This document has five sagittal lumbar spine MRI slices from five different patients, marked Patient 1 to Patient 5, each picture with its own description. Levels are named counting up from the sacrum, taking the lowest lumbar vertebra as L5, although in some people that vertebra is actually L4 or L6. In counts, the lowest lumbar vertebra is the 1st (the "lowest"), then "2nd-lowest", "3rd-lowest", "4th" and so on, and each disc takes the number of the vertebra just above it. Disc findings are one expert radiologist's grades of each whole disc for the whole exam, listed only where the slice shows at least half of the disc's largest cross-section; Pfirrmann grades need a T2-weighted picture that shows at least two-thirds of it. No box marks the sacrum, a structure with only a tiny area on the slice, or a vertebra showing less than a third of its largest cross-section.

Patient 1 of 5:
Sagittal T1-weighted lumbar spine MRI. Philips Healthcare Ingenia (3T).

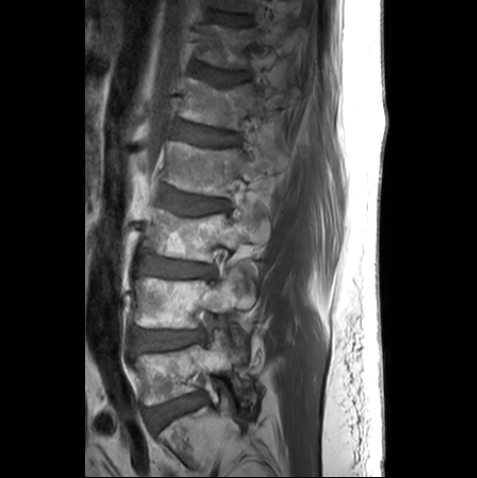

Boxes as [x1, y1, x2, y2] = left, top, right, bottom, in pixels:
2nd-lowest disc: [133, 331, 205, 351]
6th vertebra: [203, 24, 297, 68]
6th disc: [197, 68, 247, 84]
lowest disc: [147, 395, 201, 427]
3rd-lowest vertebra: [143, 209, 265, 262]
7th disc: [220, 14, 245, 24]
3rd-lowest disc: [138, 255, 213, 276]
2nd-lowest vertebra: [134, 268, 254, 345]
4th vertebra: [164, 142, 283, 196]
5th vertebra: [184, 78, 297, 129]
5th disc: [181, 124, 238, 145]
lowest vertebra: [132, 332, 246, 405]
4th disc: [163, 187, 228, 214]

Per-level radiological findings:
- 4th disc: upper-endplate change
- 2nd-lowest disc: lower-endplate change
- 3rd-lowest disc, 5th disc: no herniation, bulging, narrowing, spondylolisthesis, endplate or Modic change recorded

Patient 2 of 5:
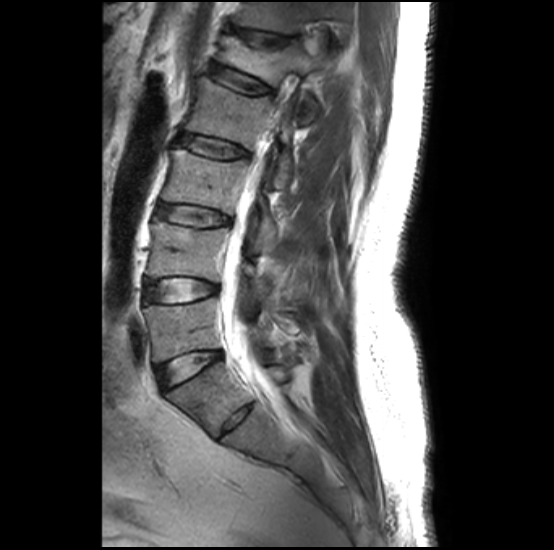 T2-weighted sagittal MRI of the lumbar spine.
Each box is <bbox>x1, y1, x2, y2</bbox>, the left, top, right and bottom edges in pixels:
L1: <bbox>219, 36, 328, 119</bbox>.
L5: <bbox>144, 298, 268, 362</bbox>.
IVD T12/L1: <bbox>232, 26, 292, 43</bbox>.
L3: <bbox>162, 149, 276, 249</bbox>.
L5/S1: <bbox>156, 351, 221, 390</bbox>.
L2 vertebra: <bbox>183, 77, 291, 187</bbox>.
IVD L1/L2: <bbox>211, 64, 271, 94</bbox>.
L4: <bbox>147, 221, 268, 299</bbox>.
IVD L2/L3: <bbox>175, 134, 247, 158</bbox>.
Spinal canal: <bbox>220, 128, 271, 396</bbox>.
T12: <bbox>235, 2, 341, 34</bbox>.
IVD L3/L4: <bbox>157, 203, 229, 226</bbox>.
IVD L4/L5: <bbox>146, 279, 216, 302</bbox>.

Degenerative findings by level:
  L5/S1: Pfirrmann grade 1
  L4/L5: Pfirrmann grade 1, lower-endplate change, Modic type II, upper-endplate change
  T12/L1: Pfirrmann grade 2, upper-endplate change, spondylolisthesis
  L3/L4: Pfirrmann grade 2, lower-endplate change, Modic type II, upper-endplate change
  L1/L2: Pfirrmann grade 2, upper-endplate change, Modic type II, lower-endplate change
  L2/L3: Pfirrmann grade 2, upper-endplate change, lower-endplate change, Modic type II

Patient 3 of 5:
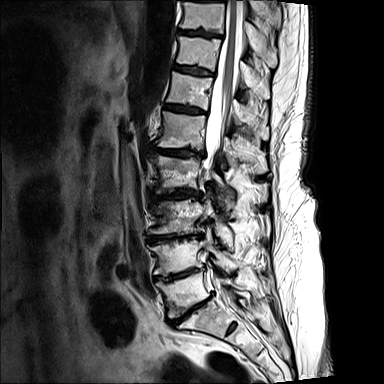 MRI lumbar spine (T2-weighted), sagittal plane | Slice spacing 4.8 mm | Patient sex: F
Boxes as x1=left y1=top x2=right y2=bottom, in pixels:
L4 vertebra at x1=149 y1=232 x2=239 y2=275, intervertebral disc T10/T11 at x1=178 y1=30 x2=218 y2=36, L1 vertebra at x1=156 y1=111 x2=267 y2=173, intervertebral disc L1/L2 at x1=153 y1=147 x2=203 y2=156, L3 vertebra at x1=149 y1=191 x2=233 y2=245, T10 at x1=180 y1=1 x2=278 y2=67, intervertebral disc T12/L1 at x1=164 y1=104 x2=202 y2=113, intervertebral disc L2/L3 at x1=154 y1=188 x2=200 y2=200, spinal canal at x1=203 y1=0 x2=247 y2=302, L3/L4 at x1=148 y1=233 x2=201 y2=243, L2 vertebra at x1=149 y1=155 x2=234 y2=212, L4/L5 at x1=154 y1=267 x2=204 y2=281, T11 at x1=177 y1=36 x2=267 y2=99, T12 vertebra at x1=167 y1=71 x2=268 y2=140, L5 at x1=156 y1=271 x2=242 y2=317, L5/S1 at x1=171 y1=293 x2=213 y2=323, intervertebral disc T11/T12 at x1=175 y1=65 x2=212 y2=75.

Radiological gradings:
  T12/L1: Pfirrmann grade 4
  L2/L3: Pfirrmann grade 5, upper-endplate change, Modic type I, disc bulging, disc narrowing, lower-endplate change
  T11/T12: Pfirrmann grade 4, upper-endplate change
  L3/L4: upper-endplate change, Modic type II, lower-endplate change, disc narrowing, disc bulging
  L5/S1: disc narrowing, upper-endplate change, lower-endplate change, Modic type II, disc bulging
  L4/L5: Pfirrmann grade 5, lower-endplate change, Modic type II, upper-endplate change, disc narrowing, disc bulging
  L1/L2: Pfirrmann grade 5, Modic type I, disc narrowing, lower-endplate change, disc bulging, upper-endplate change
  T10/T11: Pfirrmann grade 4, upper-endplate change

Patient 4 of 5:
Scanner: SIEMENS Avanto_fit (1.5T) | MRI lumbar spine (T2 SPACE (3D)), sagittal plane

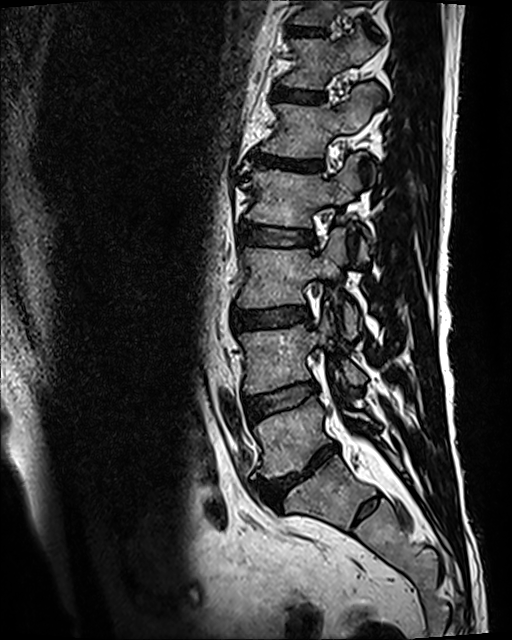

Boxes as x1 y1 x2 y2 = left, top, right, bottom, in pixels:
L1/L2 at 253 152 322 171, disc T11/T12 at 295 30 323 35, L5/S1 at 257 445 336 507, T12 vertebra at 282 35 377 88, L4/L5 at 245 381 316 419, L5 at 254 397 369 477, spinal canal at 350 439 360 450, L1 vertebra at 261 82 380 172, L2/L3 at 241 224 314 246, disc T12/L1 at 274 88 325 102, L2 vertebra at 243 155 368 260, L4 at 239 316 366 394, L3 at 237 228 360 338, L3/L4 at 230 307 311 330.

Expert MSK radiologist gradings (per disc):
  L5/S1: Pfirrmann grade 5, disc narrowing, Modic type II, upper-endplate change, lower-endplate change, disc bulging
  L4/L5: Pfirrmann grade 3, Modic type II
  L2/L3: Pfirrmann grade 3
  L1/L2: disc bulging, lower-endplate change, Modic type II, upper-endplate change, disc narrowing
  L3/L4: Pfirrmann grade 3, upper-endplate change, disc bulging, lower-endplate change
  T12/L1: Pfirrmann grade 3

Patient 5 of 5:
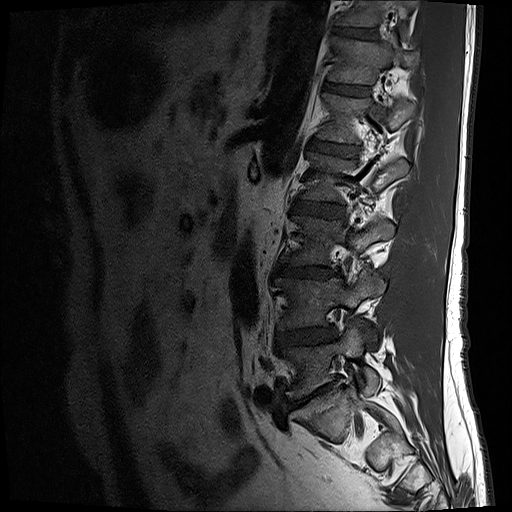 Slice 4/17. Sagittal T1-weighted lumbar spine MRI.
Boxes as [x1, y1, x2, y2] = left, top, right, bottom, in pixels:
3rd-lowest vertebra at [286, 216, 393, 265], lowest disc at [289, 385, 330, 406], 3rd-lowest disc at [277, 266, 341, 278], lowest vertebra at [281, 320, 380, 398], 5th vertebra at [318, 93, 415, 144], 4th disc at [293, 202, 342, 217], 2nd-lowest disc at [277, 326, 337, 345], 6th disc at [324, 82, 369, 95], 4th vertebra at [302, 153, 408, 202], 2nd-lowest vertebra at [277, 275, 385, 330], 7th disc at [334, 27, 377, 39], 6th vertebra at [328, 38, 417, 85], 5th disc at [310, 140, 357, 157], 7th vertebra at [334, 0, 417, 39].

Expert MSK radiologist gradings (per disc):
• 2nd-lowest disc: disc bulging, disc narrowing
• 4th disc: disc bulging
• 3rd-lowest disc: disc narrowing, lower-endplate change, disc bulging
• 7th disc, 6th disc, 5th disc: no herniation, bulging, narrowing, spondylolisthesis, endplate or Modic change recorded